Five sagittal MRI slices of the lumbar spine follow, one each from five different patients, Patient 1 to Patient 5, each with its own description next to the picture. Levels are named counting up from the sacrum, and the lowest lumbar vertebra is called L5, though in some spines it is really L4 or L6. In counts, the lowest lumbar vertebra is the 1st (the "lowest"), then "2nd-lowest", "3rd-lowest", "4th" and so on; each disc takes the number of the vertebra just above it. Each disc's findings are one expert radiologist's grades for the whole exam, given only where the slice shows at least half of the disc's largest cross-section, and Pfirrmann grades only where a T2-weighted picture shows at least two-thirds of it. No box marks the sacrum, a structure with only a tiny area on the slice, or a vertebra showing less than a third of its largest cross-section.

Patient 1 of 5:
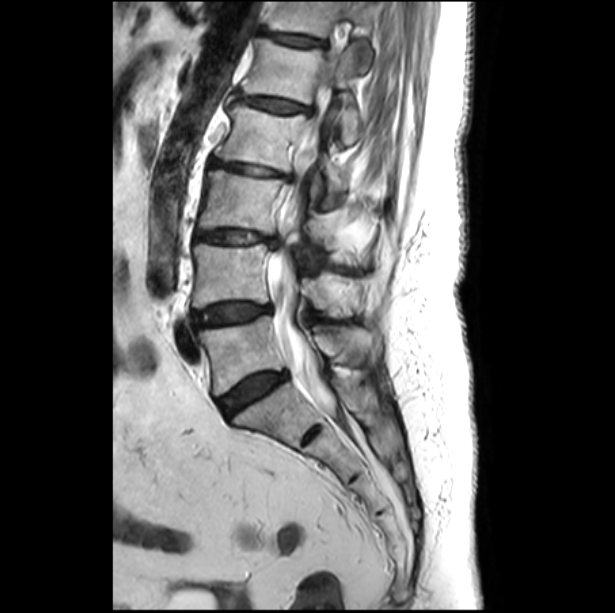 615x613 px, MRI lumbar spine (T2-weighted), sagittal plane, Slice 18 of 32
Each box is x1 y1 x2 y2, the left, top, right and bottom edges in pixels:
{"L3 (3rd-lowest vertebra)": "198 170 363 263", "T12 (6th vertebra)": "266 2 373 71", "disc T12/L1 (6th disc)": "263 32 324 46", "L2 (4th vertebra)": "214 104 348 208", "thecal sac / spinal canal": "268 60 334 408", "L5 (lowest vertebra)": "198 316 370 395", "L3/L4 (3rd-lowest disc)": "195 229 277 248", "disc L1/L2 (5th disc)": "237 94 307 113", "L2/L3 (4th disc)": "210 159 292 179", "L4/L5 (2nd-lowest disc)": "192 302 271 327", "L5/S1 (lowest disc)": "218 371 286 417", "L4 (2nd-lowest vertebra)": "192 244 352 316", "L1 (5th vertebra)": "242 38 361 144"}

Per-level radiological findings:
• L5/S1 (lowest disc): Pfirrmann grade 4, disc bulging
• L2/L3 (4th disc): Pfirrmann grade 3, disc narrowing, disc bulging, upper-endplate change, Modic type II, lower-endplate change
• L3/L4 (3rd-lowest disc): Pfirrmann grade 3, lower-endplate change, upper-endplate change, disc narrowing, Modic type II, disc bulging
• L4/L5 (2nd-lowest disc): Pfirrmann grade 4, disc bulging
• T12/L1 (6th disc): Pfirrmann grade 3, upper-endplate change, Modic type II, disc bulging, lower-endplate change
• L1/L2 (5th disc): Pfirrmann grade 3, upper-endplate change, lower-endplate change, disc bulging, Modic type II

Patient 2 of 5:
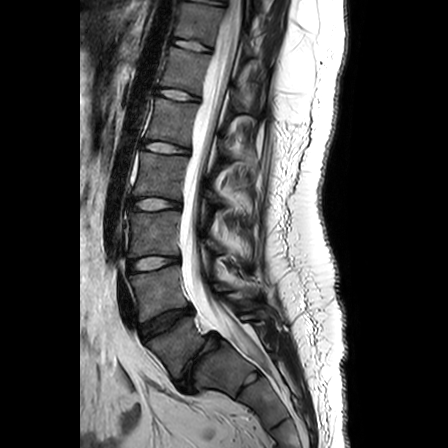
T2-weighted sagittal MRI of the lumbar spine | Image 448x448 | Slice 14 of 24

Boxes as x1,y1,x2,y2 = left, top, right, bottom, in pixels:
Spinal canal at 180,0,259,359; 4th vertebra at 133,152,224,203; 2nd-lowest disc at 140,306,192,339; 5th vertebra at 147,98,236,158; 2nd-lowest vertebra at 129,265,257,321; 7th disc at 173,38,210,50; 3rd-lowest vertebra at 129,211,224,256; 4th disc at 127,198,180,210; 6th vertebra at 161,47,248,111; lowest vertebra at 147,310,274,379; 7th vertebra at 175,3,253,55; lowest disc at 178,334,220,389; 5th disc at 145,141,188,154; 6th disc at 157,88,199,100; 3rd-lowest disc at 129,256,178,271.

Expert MSK radiologist gradings (per disc):
- 3rd-lowest disc: Pfirrmann grade 3
- 6th disc: Pfirrmann grade 1
- 7th disc: Pfirrmann grade 1
- 4th disc: Pfirrmann grade 4
- 2nd-lowest disc: Pfirrmann grade 1, disc bulging
- lowest disc: Pfirrmann grade 1, spondylolisthesis, disc bulging, disc narrowing, lower-endplate change
- 5th disc: Pfirrmann grade 1

Patient 3 of 5:
448x448 px; T2-weighted sagittal MRI of the lumbar spine

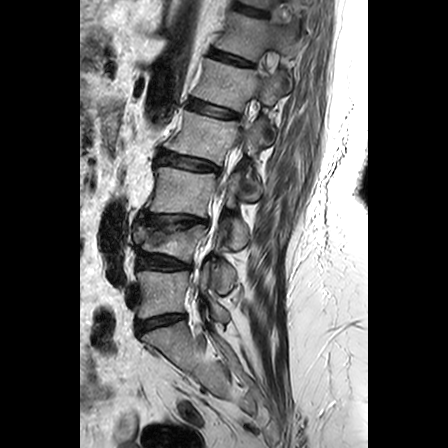
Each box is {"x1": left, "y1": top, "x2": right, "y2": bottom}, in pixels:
IVD L2/L3 (4th disc): {"x1": 157, "y1": 151, "x2": 219, "y2": 171} | spinal canal: {"x1": 213, "y1": 175, "x2": 227, "y2": 210} | IVD L5/S1 (lowest disc): {"x1": 137, "y1": 314, "x2": 185, "y2": 334} | L5 (lowest vertebra): {"x1": 137, "y1": 262, "x2": 229, "y2": 321} | L1 (5th vertebra): {"x1": 193, "y1": 58, "x2": 285, "y2": 134} | T11/T12 (7th disc): {"x1": 233, "y1": 2, "x2": 268, "y2": 16} | L4/L5 (2nd-lowest disc): {"x1": 137, "y1": 253, "x2": 191, "y2": 270} | L3 (3rd-lowest vertebra): {"x1": 146, "y1": 167, "x2": 249, "y2": 248} | IVD L3/L4 (3rd-lowest disc): {"x1": 140, "y1": 213, "x2": 207, "y2": 227} | L1/L2 (5th disc): {"x1": 188, "y1": 99, "x2": 237, "y2": 117} | IVD T12/L1 (6th disc): {"x1": 211, "y1": 49, "x2": 253, "y2": 66} | L2 (4th vertebra): {"x1": 166, "y1": 110, "x2": 264, "y2": 200} | T12 (6th vertebra): {"x1": 215, "y1": 11, "x2": 296, "y2": 60} | L4 (2nd-lowest vertebra): {"x1": 134, "y1": 225, "x2": 236, "y2": 293}

Radiological gradings:
- L5/S1 (lowest disc): Pfirrmann grade 3, disc bulging
- L4/L5 (2nd-lowest disc): Pfirrmann grade 3, disc bulging, lower-endplate change
- T11/T12 (7th disc): lower-endplate change
- L2/L3 (4th disc): Pfirrmann grade 3, upper-endplate change, lower-endplate change
- T12/L1 (6th disc): Pfirrmann grade 3, lower-endplate change, upper-endplate change
- L3/L4 (3rd-lowest disc): Pfirrmann grade 3, lower-endplate change, disc bulging, upper-endplate change
- L1/L2 (5th disc): Pfirrmann grade 2, upper-endplate change

Patient 4 of 5:
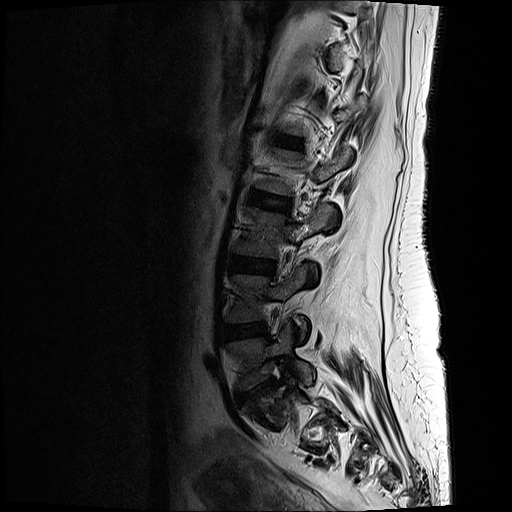 Lumbar spine MR, T2-weighted, sagittal; Image 512x512
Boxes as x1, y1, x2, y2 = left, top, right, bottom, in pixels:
{"L4/L5": "225, 323, 267, 339", "IVD L1/L2": "272, 134, 301, 148", "L2/L3": "246, 190, 290, 212", "L4 vertebra": "228, 264, 306, 337", "L3/L4": "229, 255, 275, 274", "IVD L5/S1": "242, 382, 270, 397", "L5 vertebra": "227, 324, 315, 389", "L3 vertebra": "235, 205, 334, 256"}

Per-level radiological findings:
  L2/L3: disc bulging
  L3/L4: no spondylolisthesis, narrowing, bulging, herniation, Modic or endplate change recorded

Patient 5 of 5:
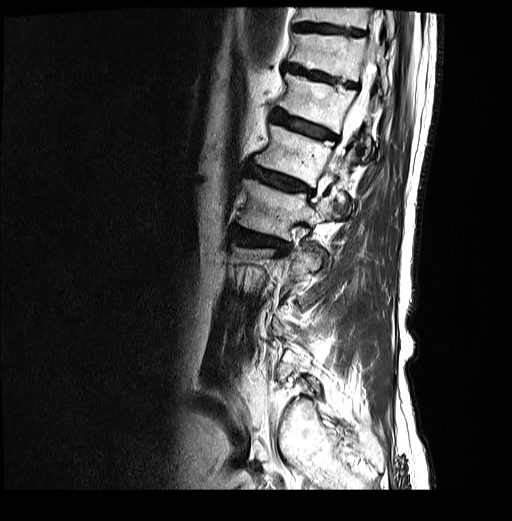 Sagittal slice index 6. Sex M. T2-weighted sagittal MRI of the lumbar spine.
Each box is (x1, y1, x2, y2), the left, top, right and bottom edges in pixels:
* L2 vertebra: (238, 179, 335, 240)
* disc T12/L1: (272, 109, 337, 140)
* L2/L3: (230, 227, 288, 252)
* T11/T12: (284, 64, 356, 87)
* T10: (295, 7, 394, 39)
* L1: (255, 125, 355, 201)
* T10/T11: (294, 23, 363, 34)
* thecal sac / spinal canal: (324, 20, 380, 182)
* T12 vertebra: (278, 72, 377, 148)
* L1/L2: (247, 165, 311, 192)
* T11 vertebra: (288, 33, 388, 93)

Radiological gradings:
  T12/L1: Pfirrmann grade 4, Modic type II, lower-endplate change, disc bulging, upper-endplate change
  L2/L3: Pfirrmann grade 4, disc narrowing, Modic type I, lower-endplate change, disc bulging, upper-endplate change
  L1/L2: Pfirrmann grade 4, upper-endplate change, lower-endplate change, Modic type II, disc bulging
  T11/T12: Pfirrmann grade 4, disc bulging, lower-endplate change, upper-endplate change
  T10/T11: Pfirrmann grade 3